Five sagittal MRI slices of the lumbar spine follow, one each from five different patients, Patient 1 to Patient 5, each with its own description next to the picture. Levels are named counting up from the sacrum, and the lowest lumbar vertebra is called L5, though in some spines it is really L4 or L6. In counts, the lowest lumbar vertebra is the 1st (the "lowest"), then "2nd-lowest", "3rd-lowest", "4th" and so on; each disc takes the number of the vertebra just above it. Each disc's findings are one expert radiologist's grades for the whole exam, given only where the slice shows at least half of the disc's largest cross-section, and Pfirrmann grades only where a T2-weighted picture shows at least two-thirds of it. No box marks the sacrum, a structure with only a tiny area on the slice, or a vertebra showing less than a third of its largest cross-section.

Patient 1 of 5:
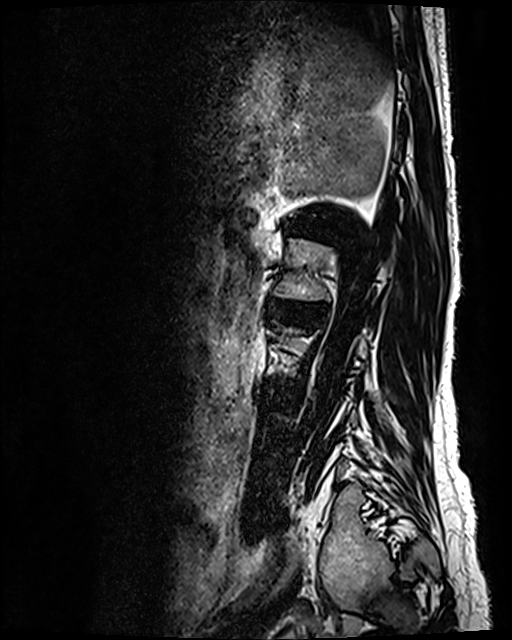

Lumbar spine MR, T2 SPACE (3D), sagittal
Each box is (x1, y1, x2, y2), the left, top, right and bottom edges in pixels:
L2: (274, 239, 329, 300).
Intervertebral disc L1/L2: (290, 223, 332, 239).
Intervertebral disc L2/L3: (270, 300, 311, 317).

Patient 2 of 5:
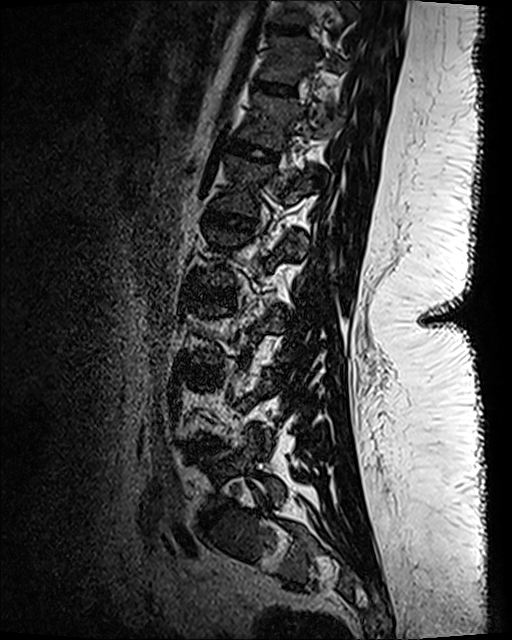
Sex F. Lumbar spine MR, T2 SPACE (3D), sagittal.

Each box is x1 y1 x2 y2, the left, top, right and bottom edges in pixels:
IVD T12/L1 at 226 138 281 164 | L2 at 200 229 309 286 | L4/L5 at 185 440 223 454 | L1 vertebra at 210 154 315 216 | T12 at 240 93 339 150 | T10 at 272 0 350 26 | IVD L1/L2 at 203 211 254 232 | L5/S1 at 202 501 235 524 | L5 at 203 430 284 510 | T11 at 261 37 345 82 | IVD T10/T11 at 271 26 304 35 | L2/L3 at 188 283 235 305 | IVD T11/T12 at 252 80 295 97 | IVD L3/L4 at 185 363 218 377

Per-level radiological findings:
  T11/T12: Pfirrmann grade 1
  T12/L1: Pfirrmann grade 1
  L2/L3, L1/L2: no spondylolisthesis, narrowing, bulging, herniation, Modic or endplate change recorded

Patient 3 of 5:
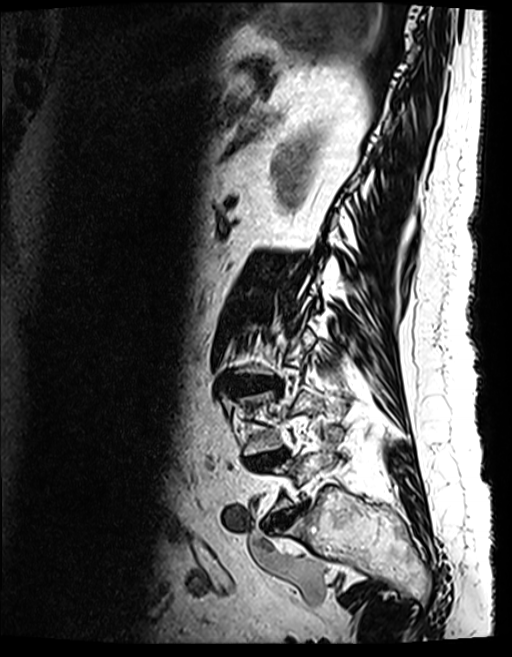

T2 SPACE (3D) sagittal MRI of the lumbar spine | 512x657 px

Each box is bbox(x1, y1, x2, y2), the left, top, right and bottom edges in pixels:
Annotations:
- L5/S1 — bbox(267, 509, 299, 532)
- L4/L5 — bbox(247, 450, 284, 466)

Degenerative findings by level:
• L4/L5: Modic type II, lower-endplate change, disc bulging, upper-endplate change, disc narrowing

Patient 4 of 5:
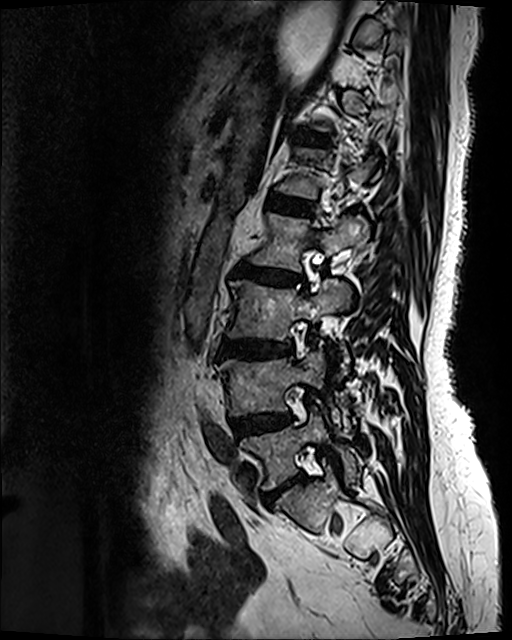 Image 512x640. T2 SPACE (3D) sagittal MRI of the lumbar spine. Sagittal slice index 39.
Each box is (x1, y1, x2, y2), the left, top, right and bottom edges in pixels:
Annotations:
• disc L5/S1 (lowest disc): (266, 475, 303, 503)
• disc T12/L1 (6th disc): (303, 133, 327, 142)
• disc L3/L4 (3rd-lowest disc): (222, 340, 291, 355)
• L4 (2nd-lowest vertebra): (216, 344, 340, 428)
• disc L4/L5 (2nd-lowest disc): (233, 415, 290, 438)
• L2 (4th vertebra): (252, 213, 368, 271)
• disc L2/L3 (4th disc): (235, 266, 302, 284)
• L1/L2 (5th disc): (269, 195, 313, 215)
• L3 (3rd-lowest vertebra): (228, 280, 350, 369)
• L5 (lowest vertebra): (242, 414, 358, 489)

Radiological gradings:
• L3/L4 (3rd-lowest disc): Pfirrmann grade 4, lower-endplate change, disc narrowing, upper-endplate change, Modic type II, disc bulging
• L2/L3 (4th disc): Pfirrmann grade 4, lower-endplate change, upper-endplate change, Modic type II, disc bulging, disc narrowing
• L4/L5 (2nd-lowest disc): disc bulging
• L1/L2 (5th disc): no spondylolisthesis, narrowing, bulging, herniation, Modic or endplate change recorded

Patient 5 of 5:
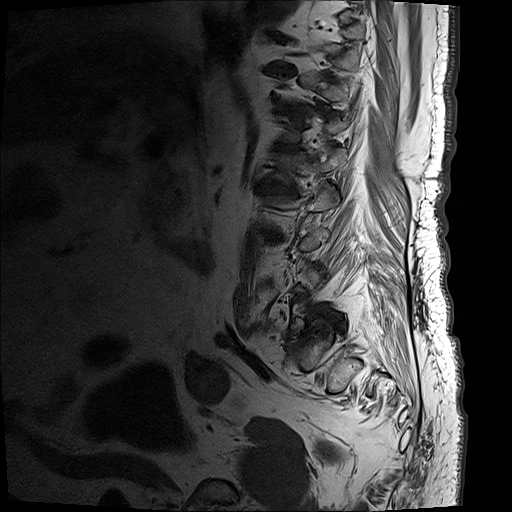 Patient sex: M. 512x512 px. T1-weighted sagittal MRI of the lumbar spine. Sagittal slice index 16.

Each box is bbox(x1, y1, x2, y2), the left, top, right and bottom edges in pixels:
L2/L3 (4th disc) at bbox(268, 233, 280, 239).
IVD T10/T11 (8th disc) at bbox(264, 66, 294, 73).
T11/T12 (7th disc) at bbox(279, 103, 298, 113).
L1/L2 (5th disc) at bbox(255, 182, 294, 195).
IVD T12/L1 (6th disc) at bbox(275, 141, 299, 151).
L1 (5th vertebra) at bbox(264, 146, 346, 187).

Per-level radiological findings:
  L1/L2 (5th disc): upper-endplate change, lower-endplate change, disc narrowing, disc bulging, Modic type II